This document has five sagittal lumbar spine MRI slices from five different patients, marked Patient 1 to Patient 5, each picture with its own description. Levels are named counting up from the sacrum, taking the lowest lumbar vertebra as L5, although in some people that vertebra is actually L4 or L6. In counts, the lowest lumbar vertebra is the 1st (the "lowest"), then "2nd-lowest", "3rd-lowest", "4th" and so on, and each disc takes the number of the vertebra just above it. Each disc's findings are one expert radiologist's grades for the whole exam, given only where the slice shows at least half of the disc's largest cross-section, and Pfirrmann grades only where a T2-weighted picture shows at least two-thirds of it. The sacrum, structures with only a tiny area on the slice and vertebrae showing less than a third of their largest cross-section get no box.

Patient 1 of 5:
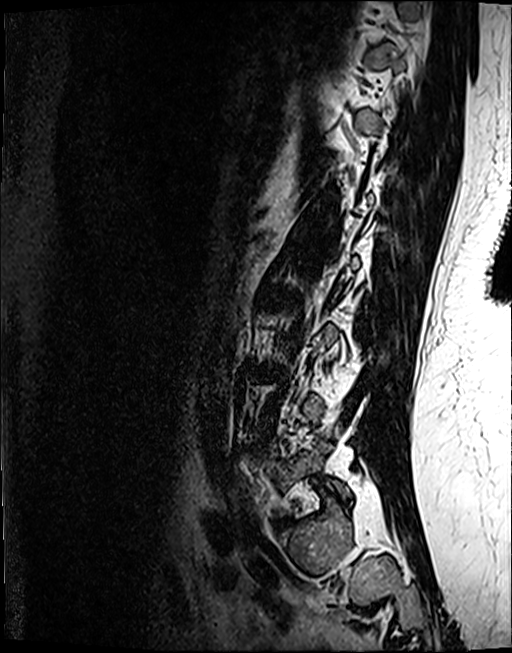 Field of view 240x301 mm, slice spacing 0.9 mm. T2 SPACE (3D) sagittal MRI of the lumbar spine.

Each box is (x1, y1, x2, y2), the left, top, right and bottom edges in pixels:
L5/S1 at (273, 517, 290, 528) | L5 at (263, 436, 348, 516)

Patient 2 of 5:
Slice 87 of 120, Field of view 240x300 mm, slice spacing 0.9 mm, MRI lumbar spine (T2 SPACE (3D)), sagittal plane, Sex F 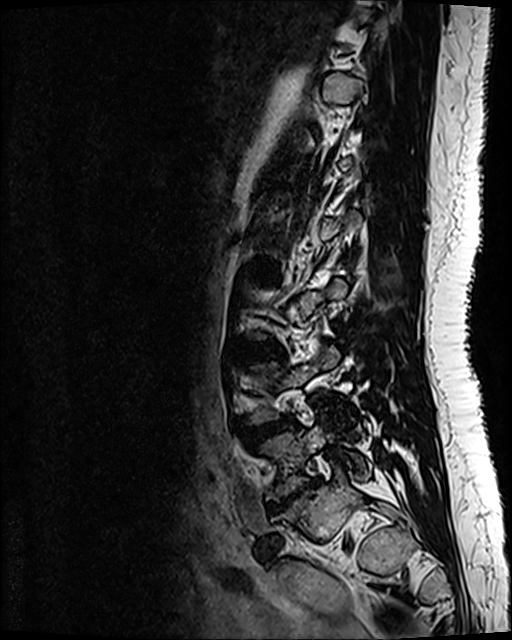 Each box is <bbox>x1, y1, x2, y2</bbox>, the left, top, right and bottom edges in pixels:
Structures:
• L5 vertebra: <bbox>262, 426, 368, 498</bbox>
• IVD L3/L4: <bbox>237, 344, 281, 355</bbox>
• IVD L4/L5: <bbox>244, 418, 291, 442</bbox>
• IVD L5/S1: <bbox>270, 480, 319, 511</bbox>

Patient 3 of 5:
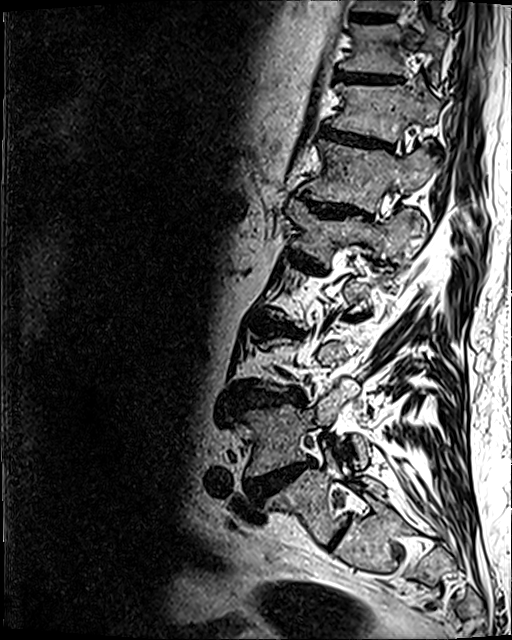 Sagittal T2 SPACE (3D) lumbar spine MRI
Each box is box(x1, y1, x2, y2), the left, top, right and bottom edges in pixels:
Structures:
* T12 (6th vertebra): box(299, 140, 433, 224)
* disc L2/L3 (4th disc): box(261, 318, 293, 331)
* L4 (2nd-lowest vertebra): box(243, 378, 370, 476)
* disc T12/L1 (6th disc): box(309, 201, 370, 217)
* T10 (8th vertebra): box(339, 17, 445, 78)
* T10/T11 (8th disc): box(336, 72, 401, 82)
* T11 (7th vertebra): box(326, 81, 438, 142)
* L5 (lowest vertebra): box(265, 455, 384, 543)
* disc L5/S1 (lowest disc): box(327, 523, 347, 548)
* L3/L4 (3rd-lowest disc): box(243, 385, 306, 406)
* L4/L5 (2nd-lowest disc): box(247, 461, 311, 499)
* T11/T12 (7th disc): box(321, 128, 391, 149)
* L1 (5th vertebra): box(286, 199, 418, 257)
* disc T9/T10 (9th disc): box(351, 13, 392, 21)

Degenerative findings by level:
• L3/L4 (3rd-lowest disc): upper-endplate change, lower-endplate change, disc narrowing, disc bulging
• T10/T11 (8th disc): upper-endplate change, disc bulging, lower-endplate change
• L4/L5 (2nd-lowest disc): Pfirrmann grade 5, Modic type II, disc bulging, disc narrowing, lower-endplate change, upper-endplate change, disc herniation
• T11/T12 (7th disc): disc bulging, upper-endplate change, lower-endplate change, disc narrowing
• T12/L1 (6th disc): upper-endplate change, disc narrowing, lower-endplate change, disc bulging

Patient 4 of 5:
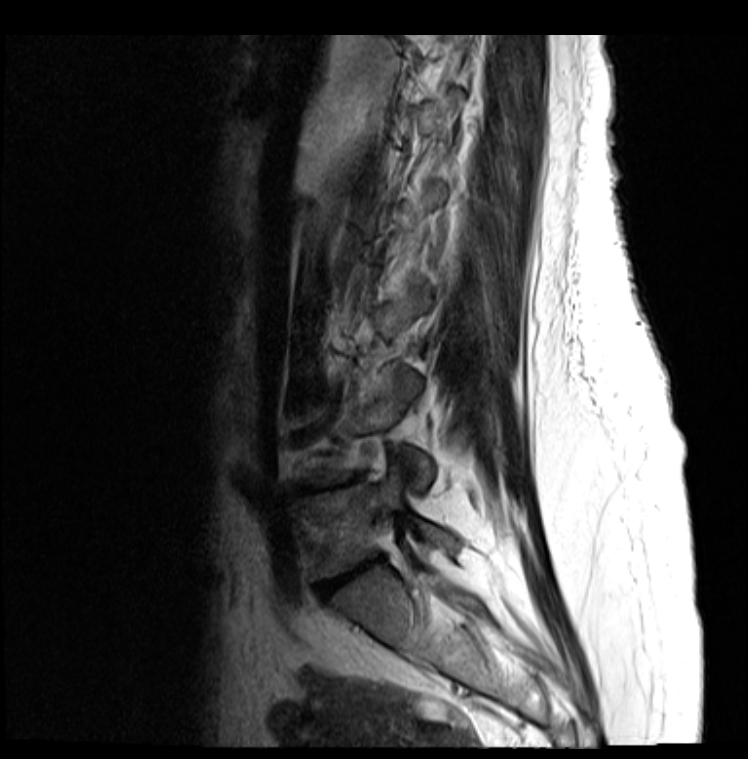
MRI lumbar spine (T2-weighted), sagittal plane

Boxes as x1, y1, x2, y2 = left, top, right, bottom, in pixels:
L5: 302, 472, 453, 577.
Intervertebral disc L4/L5: 296, 476, 358, 494.
L5/S1: 320, 562, 371, 595.

Patient 5 of 5:
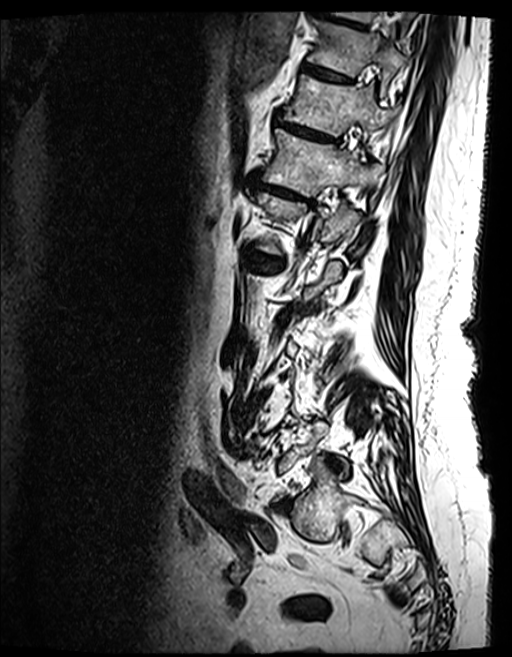
Lumbar spine MR, T2 SPACE (3D), sagittal

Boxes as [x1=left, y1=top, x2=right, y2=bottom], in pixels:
- L1 (5th vertebra) at [x1=255, y1=193, x2=358, y2=254]
- IVD T10/T11 (8th disc) at [x1=302, y1=65, x2=351, y2=83]
- IVD T9/T10 (9th disc) at [x1=314, y1=2, x2=366, y2=28]
- T10 (8th vertebra) at [x1=306, y1=18, x2=403, y2=95]
- IVD T11/T12 (7th disc) at [x1=279, y1=122, x2=335, y2=142]
- T12/L1 (6th disc) at [x1=254, y1=182, x2=313, y2=203]
- T11 (7th vertebra) at [x1=282, y1=76, x2=390, y2=136]
- T12 (6th vertebra) at [x1=260, y1=128, x2=368, y2=196]

Per-level radiological findings:
- T10/T11 (8th disc): Pfirrmann grade 4, Modic type II, upper-endplate change, lower-endplate change
- T11/T12 (7th disc): Pfirrmann grade 5, disc bulging, Modic type II, disc narrowing, upper-endplate change, lower-endplate change
- T9/T10 (9th disc): Pfirrmann grade 4, lower-endplate change, Modic type II, upper-endplate change, disc bulging
- T12/L1 (6th disc): Pfirrmann grade 4, disc narrowing, upper-endplate change, lower-endplate change, Modic type II, disc bulging